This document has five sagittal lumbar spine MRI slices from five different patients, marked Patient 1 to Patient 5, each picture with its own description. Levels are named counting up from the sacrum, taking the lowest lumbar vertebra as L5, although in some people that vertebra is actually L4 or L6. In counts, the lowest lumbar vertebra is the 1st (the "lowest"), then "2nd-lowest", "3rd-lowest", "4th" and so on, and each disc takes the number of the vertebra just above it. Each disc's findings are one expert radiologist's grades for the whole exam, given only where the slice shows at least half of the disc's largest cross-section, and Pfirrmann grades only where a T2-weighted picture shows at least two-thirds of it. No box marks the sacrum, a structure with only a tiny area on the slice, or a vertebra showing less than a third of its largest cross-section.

Patient 1 of 5:
Image 591x598, T2-weighted sagittal MRI of the lumbar spine, Scanner: Philips Healthcare Ingenia (3T)
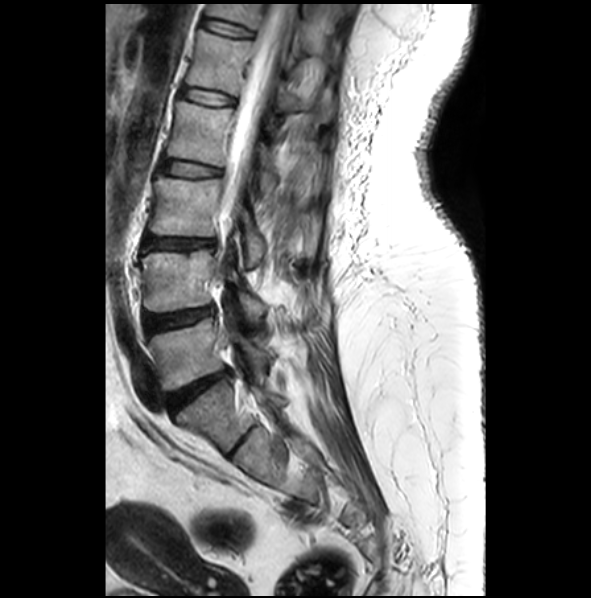
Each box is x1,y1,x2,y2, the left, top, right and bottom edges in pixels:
5th disc: 181,87,234,104
thecal sac / spinal canal: 224,4,293,220
3rd-lowest vertebra: 149,175,314,267
2nd-lowest vertebra: 141,249,266,325
3rd-lowest disc: 144,237,214,249
lowest disc: 168,367,231,413
2nd-lowest disc: 144,306,215,332
4th vertebra: 168,100,277,197
6th disc: 202,18,252,36
4th disc: 161,158,219,176
6th vertebra: 206,4,329,56
5th vertebra: 186,29,336,123
lowest vertebra: 150,318,268,391

Degenerative findings by level:
• 3rd-lowest disc: Pfirrmann grade 3, Modic type II, upper-endplate change, disc narrowing, lower-endplate change, disc bulging
• 2nd-lowest disc: Pfirrmann grade 3, disc bulging
• lowest disc: Pfirrmann grade 4, disc bulging, upper-endplate change, lower-endplate change
• 5th disc: Pfirrmann grade 2
• 6th disc: Pfirrmann grade 2
• 4th disc: Pfirrmann grade 2

Patient 2 of 5:
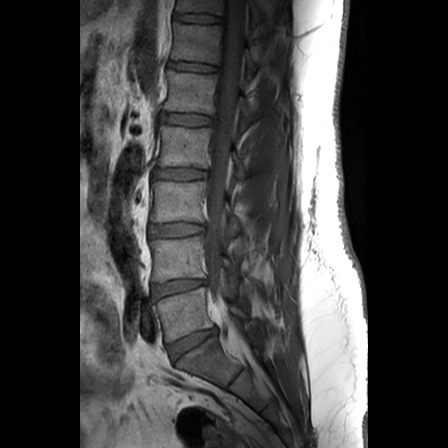
Slice 11/24. Lumbar spine MR, T1-weighted, sagittal.

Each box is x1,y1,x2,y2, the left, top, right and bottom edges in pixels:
4th disc at 153,169,206,179.
7th vertebra at 176,0,261,20.
6th disc at 169,61,215,71.
3rd-lowest vertebra at 151,181,239,234.
3rd-lowest disc at 150,222,202,236.
7th disc at 174,13,218,22.
2nd-lowest disc at 152,279,204,297.
2nd-lowest vertebra at 150,235,238,288.
5th disc at 159,112,209,125.
5th vertebra at 165,71,253,130.
Lowest vertebra at 152,287,248,341.
Spinal canal at 203,0,244,332.
Lowest disc at 168,328,216,360.
4th vertebra at 155,125,243,177.
6th vertebra at 172,22,257,75.

Degenerative findings by level:
  lowest disc: disc bulging
  4th disc: disc bulging
  5th disc, 3rd-lowest disc, 2nd-lowest disc, 6th disc, 7th disc: no Modic or endplate change, herniation, narrowing, bulging or spondylolisthesis recorded

Patient 3 of 5:
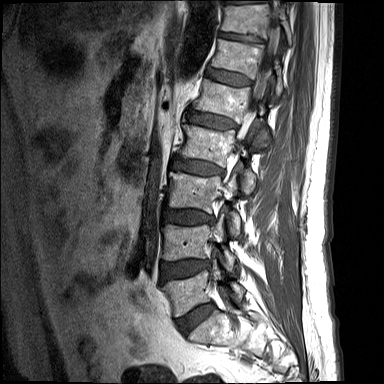 Patient sex: M, Lumbar spine MR, T1-weighted, sagittal
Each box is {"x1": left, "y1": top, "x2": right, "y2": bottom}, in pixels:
spinal canal: {"x1": 249, "y1": 26, "x2": 275, "y2": 113}
3rd-lowest vertebra: {"x1": 168, "y1": 172, "x2": 240, "y2": 233}
4th vertebra: {"x1": 180, "y1": 125, "x2": 255, "y2": 193}
7th disc: {"x1": 219, "y1": 32, "x2": 263, "y2": 42}
5th disc: {"x1": 187, "y1": 110, "x2": 236, "y2": 129}
5th vertebra: {"x1": 193, "y1": 79, "x2": 267, "y2": 146}
2nd-lowest disc: {"x1": 162, "y1": 260, "x2": 209, "y2": 279}
lowest vertebra: {"x1": 163, "y1": 260, "x2": 244, "y2": 316}
lowest disc: {"x1": 177, "y1": 303, "x2": 213, "y2": 334}
7th vertebra: {"x1": 221, "y1": 4, "x2": 291, "y2": 44}
3rd-lowest disc: {"x1": 164, "y1": 210, "x2": 213, "y2": 224}
6th vertebra: {"x1": 211, "y1": 39, "x2": 282, "y2": 96}
6th disc: {"x1": 206, "y1": 67, "x2": 251, "y2": 85}
2nd-lowest vertebra: {"x1": 163, "y1": 214, "x2": 235, "y2": 270}
4th disc: {"x1": 174, "y1": 158, "x2": 223, "y2": 174}

Degenerative findings by level:
  5th disc: lower-endplate change, upper-endplate change
  lowest disc: disc bulging
  3rd-lowest disc: upper-endplate change, lower-endplate change, disc bulging
  4th disc: disc bulging, lower-endplate change, upper-endplate change
  7th disc: upper-endplate change, disc narrowing, lower-endplate change
  2nd-lowest disc: disc bulging
  6th disc: no Modic or endplate change, herniation, narrowing, bulging or spondylolisthesis recorded

Patient 4 of 5:
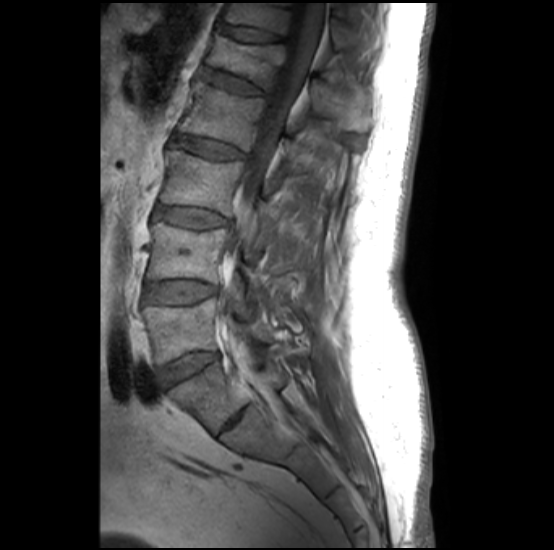 Lumbar spine MR, T1-weighted, sagittal | Sagittal slice index 18 | 554x550 px
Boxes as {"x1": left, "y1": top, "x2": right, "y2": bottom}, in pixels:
L4/L5 (2nd-lowest disc) at {"x1": 146, "y1": 281, "x2": 216, "y2": 303} | L2 (4th vertebra) at {"x1": 178, "y1": 79, "x2": 346, "y2": 172} | L4 (2nd-lowest vertebra) at {"x1": 147, "y1": 219, "x2": 265, "y2": 292} | spinal canal at {"x1": 225, "y1": 3, "x2": 326, "y2": 332} | T12 (6th vertebra) at {"x1": 224, "y1": 2, "x2": 354, "y2": 49} | L1 (5th vertebra) at {"x1": 206, "y1": 29, "x2": 372, "y2": 129} | L2/L3 (4th disc) at {"x1": 172, "y1": 134, "x2": 245, "y2": 159} | L3 (3rd-lowest vertebra) at {"x1": 160, "y1": 146, "x2": 279, "y2": 238} | intervertebral disc L1/L2 (5th disc) at {"x1": 203, "y1": 66, "x2": 265, "y2": 95} | L5/S1 (lowest disc) at {"x1": 157, "y1": 351, "x2": 216, "y2": 387} | L3/L4 (3rd-lowest disc) at {"x1": 157, "y1": 205, "x2": 229, "y2": 228} | L5 (lowest vertebra) at {"x1": 143, "y1": 299, "x2": 271, "y2": 363} | T12/L1 (6th disc) at {"x1": 219, "y1": 23, "x2": 284, "y2": 42}

Expert MSK radiologist gradings (per disc):
  T12/L1 (6th disc): spondylolisthesis, upper-endplate change
  L2/L3 (4th disc): lower-endplate change, upper-endplate change, Modic type II
  L4/L5 (2nd-lowest disc): lower-endplate change, Modic type II, upper-endplate change
  L3/L4 (3rd-lowest disc): upper-endplate change, lower-endplate change, Modic type II
  L1/L2 (5th disc): Modic type II, lower-endplate change, upper-endplate change
  L5/S1 (lowest disc): no spondylolisthesis, narrowing, bulging, herniation, Modic or endplate change recorded

Patient 5 of 5:
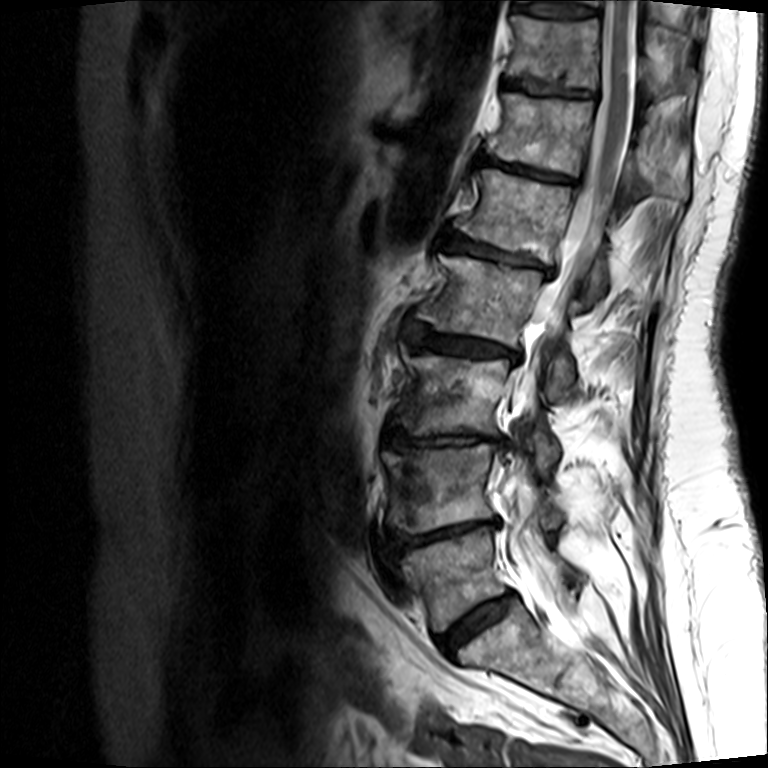
768x768 px, T2-weighted sagittal MRI of the lumbar spine

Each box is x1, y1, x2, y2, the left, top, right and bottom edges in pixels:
L5 (lowest vertebra): 399, 528, 582, 631
thecal sac / spinal canal: 502, 0, 635, 601
L1/L2 (5th disc): 445, 232, 553, 275
T11/T12 (7th disc): 505, 73, 595, 95
IVD L4/L5 (2nd-lowest disc): 388, 518, 498, 552
L3 (3rd-lowest vertebra): 395, 346, 560, 474
IVD L2/L3 (4th disc): 403, 319, 518, 363
L2 (4th vertebra): 417, 253, 576, 397
L1 (5th vertebra): 458, 167, 608, 306
T12 (6th vertebra): 490, 91, 689, 201
T11 (7th vertebra): 511, 14, 665, 97
L4 (2nd-lowest vertebra): 382, 442, 562, 530
IVD L3/L4 (3rd-lowest disc): 385, 425, 503, 448
T12/L1 (6th disc): 485, 154, 575, 182
IVD L5/S1 (lowest disc): 438, 593, 513, 654

Degenerative findings by level:
  L2/L3 (4th disc): Pfirrmann grade 3, disc bulging, lower-endplate change, Modic type II, disc narrowing, upper-endplate change
  L5/S1 (lowest disc): Pfirrmann grade 3, Modic type II, lower-endplate change, disc bulging, upper-endplate change, disc narrowing
  L1/L2 (5th disc): Pfirrmann grade 4, disc narrowing, lower-endplate change, Modic type II, upper-endplate change, disc bulging
  L4/L5 (2nd-lowest disc): Pfirrmann grade 5, upper-endplate change, disc narrowing, disc herniation, lower-endplate change, Modic type II
  T11/T12 (7th disc): Pfirrmann grade 3, disc narrowing, lower-endplate change, upper-endplate change, Modic type II
  T12/L1 (6th disc): Pfirrmann grade 5, disc bulging, upper-endplate change, disc narrowing, Modic type II, lower-endplate change
  L3/L4 (3rd-lowest disc): Pfirrmann grade 5, lower-endplate change, Modic type II, disc narrowing, disc herniation, upper-endplate change